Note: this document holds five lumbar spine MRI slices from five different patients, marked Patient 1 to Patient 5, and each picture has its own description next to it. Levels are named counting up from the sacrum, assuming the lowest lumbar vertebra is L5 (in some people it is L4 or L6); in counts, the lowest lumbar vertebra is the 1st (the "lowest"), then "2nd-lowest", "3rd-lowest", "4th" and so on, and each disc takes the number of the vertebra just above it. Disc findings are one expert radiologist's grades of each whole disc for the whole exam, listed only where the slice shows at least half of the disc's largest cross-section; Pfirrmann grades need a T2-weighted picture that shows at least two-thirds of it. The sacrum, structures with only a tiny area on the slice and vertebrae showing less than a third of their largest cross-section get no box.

Patient 1 of 5:
Sex F; MRI lumbar spine (T1-weighted), sagittal plane
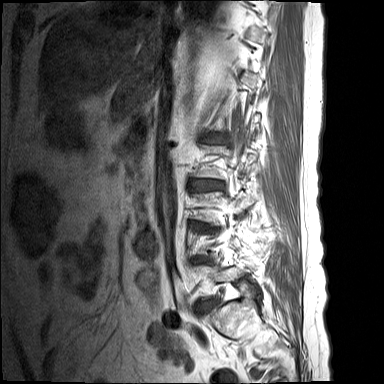
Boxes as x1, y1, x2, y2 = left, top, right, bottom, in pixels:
4th disc at 189, 178, 223, 191; 5th disc at 204, 133, 224, 141.

Per-level radiological findings:
  4th disc: disc narrowing, upper-endplate change, disc bulging, lower-endplate change

Patient 2 of 5:
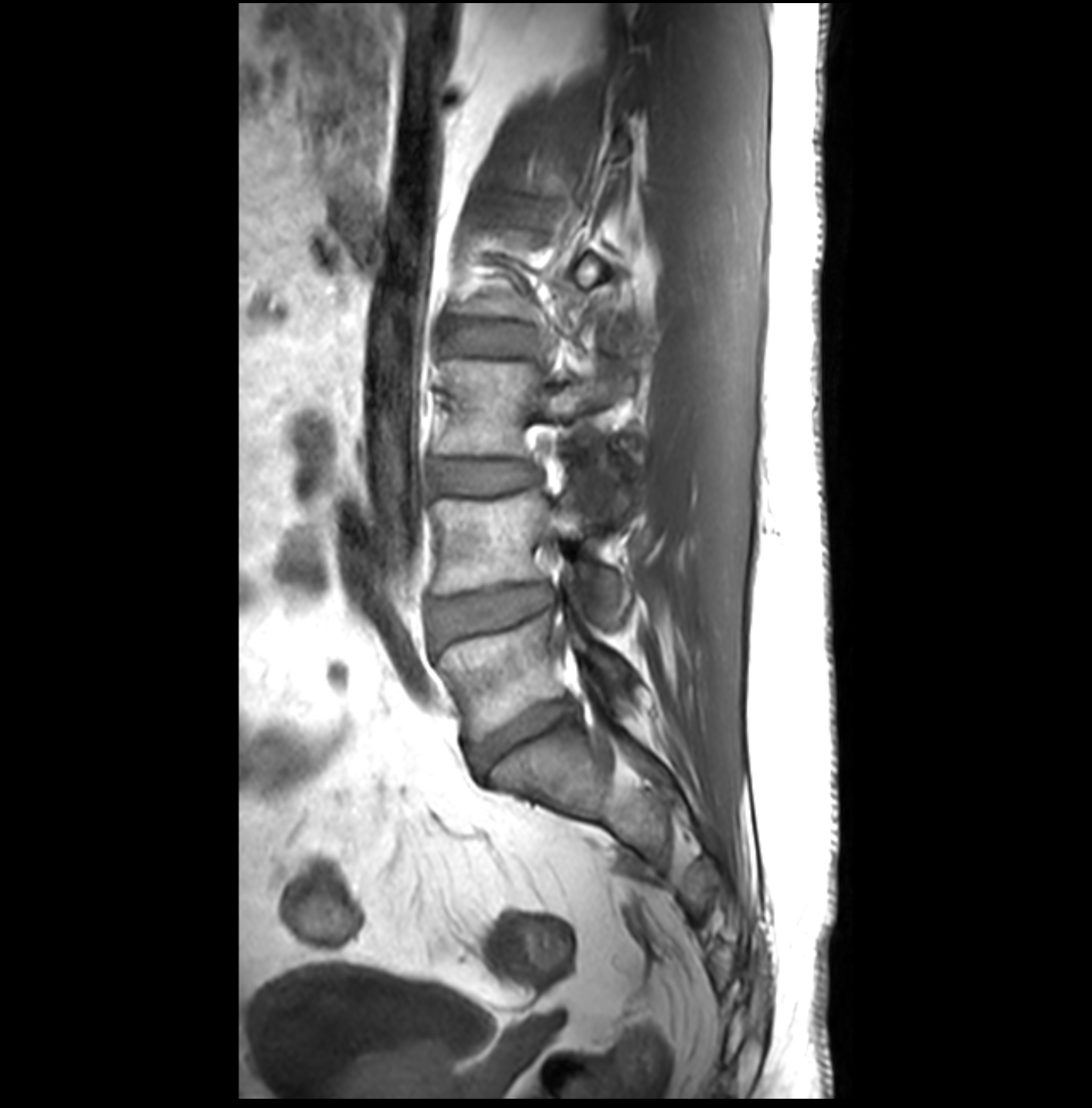

Lumbar spine MR, T1-weighted, sagittal

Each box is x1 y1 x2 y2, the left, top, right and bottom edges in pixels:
4th disc: 454 324 535 354
lowest vertebra: 439 601 629 741
2nd-lowest disc: 432 584 550 643
3rd-lowest vertebra: 433 358 602 458
2nd-lowest vertebra: 433 490 629 627
3rd-lowest disc: 433 461 538 493
lowest disc: 471 699 576 772

Per-level radiological findings:
- 2nd-lowest disc: disc herniation
- 4th disc, 3rd-lowest disc, lowest disc: no herniation, bulging, narrowing, spondylolisthesis, endplate or Modic change recorded

Patient 3 of 5:
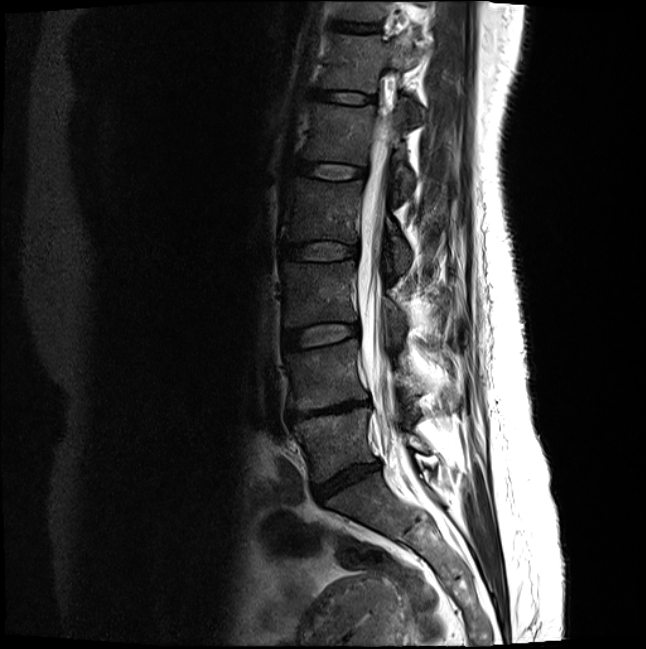
Patient sex: F | T2-weighted sagittal MRI of the lumbar spine
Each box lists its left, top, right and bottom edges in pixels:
Annotations:
• intervertebral disc L1/L2 = left=293, top=159, right=365, bottom=179
• T12 = left=322, top=33, right=421, bottom=118
• L5/S1 = left=313, top=462, right=380, bottom=501
• L1 vertebra = left=303, top=101, right=414, bottom=196
• intervertebral disc T11/T12 = left=334, top=21, right=377, bottom=32
• L4/L5 = left=286, top=400, right=369, bottom=421
• T12/L1 = left=313, top=89, right=374, bottom=103
• L4 vertebra = left=285, top=340, right=458, bottom=410
• L2 = left=284, top=176, right=411, bottom=272
• L3/L4 = left=282, top=323, right=358, bottom=348
• L2/L3 = left=281, top=242, right=357, bottom=259
• thecal sac / spinal canal = left=357, top=119, right=405, bottom=462
• L3 vertebra = left=282, top=260, right=408, bottom=342
• L5 vertebra = left=294, top=407, right=425, bottom=481

Radiological gradings:
  L5/S1: Pfirrmann grade 4, disc bulging, disc narrowing
  L4/L5: Pfirrmann grade 5, Modic type II, upper-endplate change, disc bulging, disc narrowing, lower-endplate change
  L1/L2: Pfirrmann grade 2
  T12/L1: Pfirrmann grade 2
  L2/L3: Pfirrmann grade 2
  L3/L4: Pfirrmann grade 2
  T11/T12: no herniation, bulging, narrowing, spondylolisthesis, endplate or Modic change recorded

Patient 4 of 5:
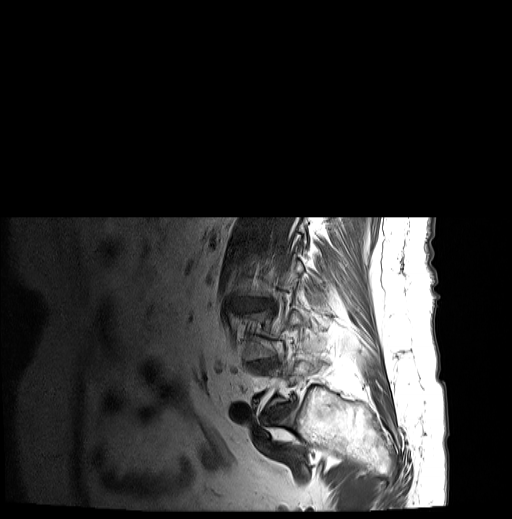 Sagittal T1-weighted lumbar spine MRI | Patient sex: F
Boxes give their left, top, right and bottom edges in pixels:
L4/L5 (2nd-lowest disc) at left=249, top=359, right=277, bottom=371; L5/S1 (lowest disc) at left=263, top=402, right=293, bottom=423; L3/L4 (3rd-lowest disc) at left=242, top=299, right=270, bottom=310.

Radiological gradings:
- L5/S1 (lowest disc): disc narrowing, disc bulging
- L3/L4 (3rd-lowest disc): upper-endplate change, Modic type II, disc bulging, lower-endplate change, disc narrowing
- L4/L5 (2nd-lowest disc): lower-endplate change, disc bulging, disc narrowing, upper-endplate change, Modic type II

Patient 5 of 5:
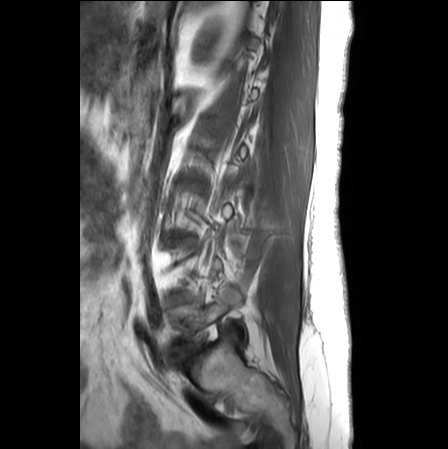 T1-weighted sagittal MRI of the lumbar spine

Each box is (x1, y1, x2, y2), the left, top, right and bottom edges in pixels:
{"IVD L5/S1": "(189, 344, 201, 354)", "L5 vertebra": "(171, 293, 248, 351)"}